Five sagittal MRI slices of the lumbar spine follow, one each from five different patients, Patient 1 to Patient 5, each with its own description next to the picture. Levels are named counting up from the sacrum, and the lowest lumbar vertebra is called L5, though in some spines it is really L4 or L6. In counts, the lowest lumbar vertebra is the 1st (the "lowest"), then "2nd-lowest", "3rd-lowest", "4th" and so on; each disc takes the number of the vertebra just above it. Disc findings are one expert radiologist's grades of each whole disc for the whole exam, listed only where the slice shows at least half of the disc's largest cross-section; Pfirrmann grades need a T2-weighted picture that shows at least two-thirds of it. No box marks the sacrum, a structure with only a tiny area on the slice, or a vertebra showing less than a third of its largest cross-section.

Patient 1 of 5:
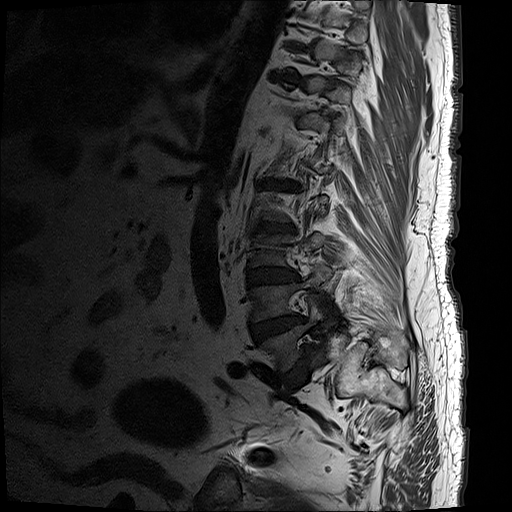 Sex M | T1-weighted sagittal MRI of the lumbar spine | Slice 3 of 17
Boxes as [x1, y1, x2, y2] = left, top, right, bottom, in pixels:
{"IVD T11/T12": "[277, 108, 306, 115]", "L4 vertebra": "[247, 262, 331, 321]", "L1/L2": "[254, 177, 303, 189]", "IVD L4/L5": "[249, 314, 304, 344]", "IVD L3/L4": "[246, 266, 296, 285]", "L3": "[247, 231, 327, 266]", "IVD L5/S1": "[283, 344, 311, 387]", "IVD T10/T11": "[267, 70, 306, 84]", "L5 vertebra": "[259, 295, 321, 371]", "L2/L3": "[251, 218, 297, 233]"}

Per-level radiological findings:
- L3/L4: Modic type II, disc narrowing, lower-endplate change, upper-endplate change, disc bulging
- L5/S1: spondylolisthesis, Modic type II, lower-endplate change, upper-endplate change, disc bulging, disc narrowing
- L2/L3: Modic type II, disc narrowing, upper-endplate change, lower-endplate change, disc bulging
- L1/L2: disc bulging, Modic type II, disc narrowing, upper-endplate change, lower-endplate change
- L4/L5: disc bulging, disc narrowing, upper-endplate change, lower-endplate change, Modic type II

Patient 2 of 5:
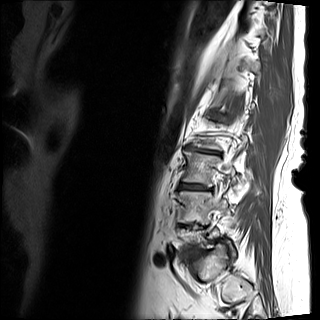
MRI lumbar spine (T1-weighted), sagittal plane, Image 320x320
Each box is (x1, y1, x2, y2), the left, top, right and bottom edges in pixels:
Intervertebral disc L2/L3: (186, 146, 219, 153).
L4 vertebra: (178, 191, 227, 220).
L3: (183, 151, 235, 183).
L3/L4: (179, 183, 210, 190).

Degenerative findings by level:
- L3/L4: disc bulging, upper-endplate change, lower-endplate change
- L2/L3: Modic type II, lower-endplate change, upper-endplate change, disc bulging, spondylolisthesis, disc narrowing

Patient 3 of 5:
Sagittal T2 SPACE (3D) lumbar spine MRI; Field of view 240x300 mm, slice spacing 0.9 mm; Slice 68/120; 512x640 px

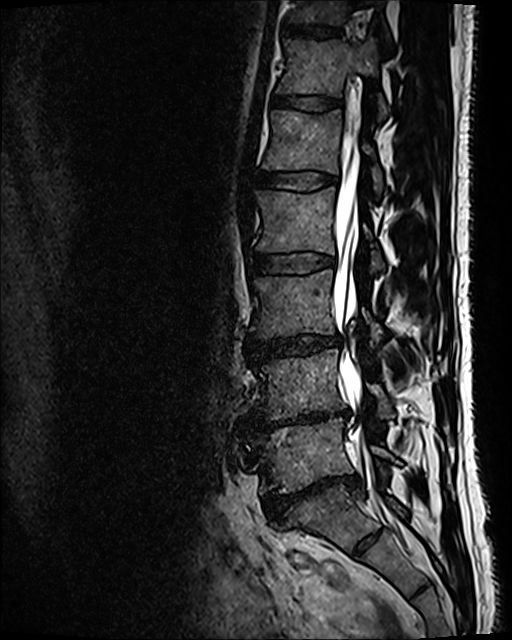
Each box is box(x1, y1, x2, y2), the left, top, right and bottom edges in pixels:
L3/L4 at box(247, 335, 340, 359); L3 at box(251, 270, 381, 338); L2 at box(257, 187, 383, 271); T12/L1 at box(272, 95, 342, 111); L1 vertebra at box(262, 109, 382, 192); L5 at box(259, 420, 399, 494); T12 at box(275, 40, 387, 115); spinal canal at box(332, 120, 419, 557); disc L5/S1 at box(263, 473, 361, 522); L4/L5 at box(250, 411, 345, 428); disc L1/L2 at box(257, 170, 337, 190); disc T11/T12 at box(279, 25, 341, 39); L4 at box(255, 349, 392, 420); L2/L3 at box(248, 253, 333, 274); T11 vertebra at box(288, 0, 385, 24).

Expert MSK radiologist gradings (per disc):
  L2/L3: Pfirrmann grade 2
  L1/L2: Pfirrmann grade 2
  L3/L4: Pfirrmann grade 3, disc narrowing, disc bulging
  L5/S1: Pfirrmann grade 5, disc bulging, spondylolisthesis, lower-endplate change, disc narrowing
  T12/L1: Pfirrmann grade 2
  T11/T12: Pfirrmann grade 2

Patient 4 of 5:
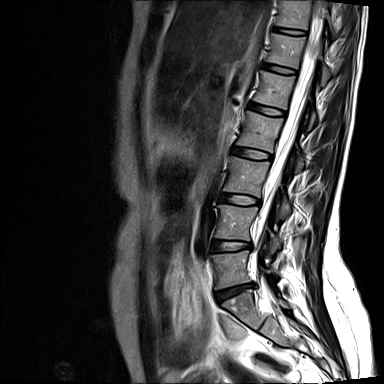
Sagittal T2-weighted lumbar spine MRI. 384x384 px. Sex F.

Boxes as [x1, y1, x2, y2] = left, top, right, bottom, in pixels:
Segmented structures:
- 5th disc — [249, 101, 284, 115]
- lowest vertebra — [212, 250, 276, 288]
- 6th disc — [264, 64, 293, 73]
- 7th vertebra — [276, 0, 337, 37]
- 3rd-lowest disc — [221, 194, 258, 204]
- 4th disc — [231, 147, 271, 159]
- lowest disc — [217, 283, 252, 297]
- 5th vertebra — [253, 70, 316, 129]
- 7th disc — [273, 27, 302, 34]
- 2nd-lowest vertebra — [213, 205, 281, 252]
- thecal sac / spinal canal — [258, 0, 325, 267]
- 3rd-lowest vertebra — [224, 155, 290, 218]
- 4th vertebra — [237, 111, 304, 170]
- 6th vertebra — [267, 33, 329, 84]
- 2nd-lowest disc — [210, 239, 248, 250]

Radiological gradings:
  lowest disc: Pfirrmann grade 4, disc herniation, disc narrowing, disc bulging, Modic type II
  2nd-lowest disc: Pfirrmann grade 3, disc narrowing
  3rd-lowest disc: Pfirrmann grade 2
  5th disc: Pfirrmann grade 2
  7th disc: Pfirrmann grade 2
  6th disc: Pfirrmann grade 2
  4th disc: Pfirrmann grade 2

Patient 5 of 5:
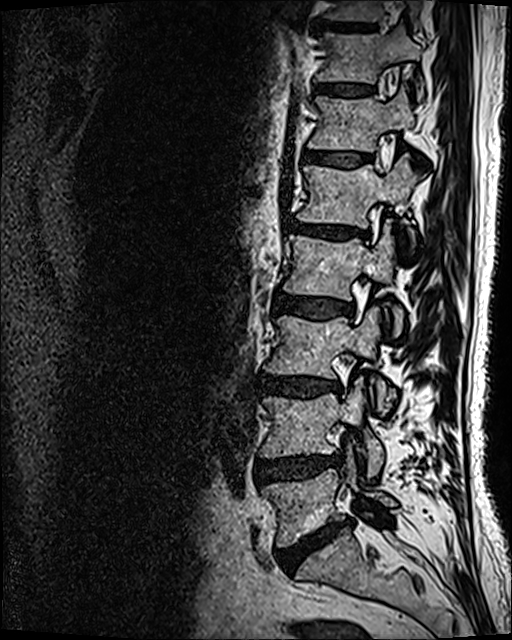 MRI lumbar spine (T2 SPACE (3D)), sagittal plane, Patient sex: M, Slice 79 of 120
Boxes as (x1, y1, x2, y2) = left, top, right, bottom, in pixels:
Structures:
* L5/S1 (lowest disc) — (276, 521, 349, 573)
* L4 (2nd-lowest vertebra) — (260, 380, 383, 475)
* L2 (4th vertebra) — (283, 230, 404, 335)
* T12/L1 (6th disc) — (304, 152, 369, 167)
* L4/L5 (2nd-lowest disc) — (256, 454, 340, 484)
* IVD T11/T12 (7th disc) — (314, 84, 372, 94)
* T11 (7th vertebra) — (316, 27, 422, 100)
* L2/L3 (4th disc) — (273, 292, 349, 319)
* T10/T11 (8th disc) — (313, 20, 375, 30)
* T12 (6th vertebra) — (308, 88, 414, 152)
* L1 (5th vertebra) — (296, 156, 415, 246)
* L1/L2 (5th disc) — (289, 221, 358, 238)
* L3/L4 (3rd-lowest disc) — (258, 374, 340, 397)
* L3 (3rd-lowest vertebra) — (264, 306, 392, 413)
* L5 (lowest vertebra) — (262, 466, 395, 546)
* T10 (8th vertebra) — (326, 0, 417, 25)

Expert MSK radiologist gradings (per disc):
  L2/L3 (4th disc): Pfirrmann grade 3, disc bulging
  L1/L2 (5th disc): disc bulging, disc narrowing, Modic type II, lower-endplate change, upper-endplate change
  T11/T12 (7th disc): Pfirrmann grade 3
  L4/L5 (2nd-lowest disc): Pfirrmann grade 4, disc herniation, disc bulging
  T12/L1 (6th disc): Pfirrmann grade 3
  L3/L4 (3rd-lowest disc): Pfirrmann grade 4, lower-endplate change, disc bulging, Modic type II, disc narrowing
  L5/S1 (lowest disc): Pfirrmann grade 5, disc bulging, disc narrowing, lower-endplate change, Modic type II